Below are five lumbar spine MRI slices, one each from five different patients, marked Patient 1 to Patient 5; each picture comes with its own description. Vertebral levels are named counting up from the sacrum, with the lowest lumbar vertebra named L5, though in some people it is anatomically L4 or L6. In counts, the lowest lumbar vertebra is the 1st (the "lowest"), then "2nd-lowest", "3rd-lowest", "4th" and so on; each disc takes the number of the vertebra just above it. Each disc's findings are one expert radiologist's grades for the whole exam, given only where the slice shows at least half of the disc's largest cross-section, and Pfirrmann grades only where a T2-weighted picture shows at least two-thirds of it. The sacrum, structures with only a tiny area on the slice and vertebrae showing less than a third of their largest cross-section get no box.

Patient 1 of 5:
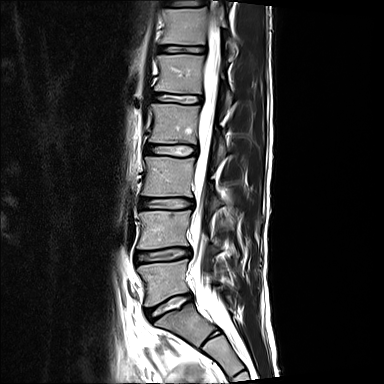

Image 384x384 | Sagittal slice index 5 | T2-weighted sagittal MRI of the lumbar spine | Sex M

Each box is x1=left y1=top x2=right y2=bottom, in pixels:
Lowest disc = x1=146 y1=294 x2=192 y2=320.
3rd-lowest disc = x1=141 y1=198 x2=193 y2=209.
7th vertebra = x1=178 y1=0 x2=196 y2=4.
5th vertebra = x1=155 y1=54 x2=232 y2=106.
7th disc = x1=164 y1=1 x2=199 y2=7.
2nd-lowest disc = x1=136 y1=248 x2=190 y2=262.
6th vertebra = x1=161 y1=7 x2=235 y2=53.
4th vertebra = x1=149 y1=104 x2=226 y2=160.
6th disc = x1=159 y1=45 x2=204 y2=53.
5th disc = x1=153 y1=94 x2=200 y2=103.
2nd-lowest vertebra = x1=138 y1=210 x2=221 y2=256.
4th disc = x1=146 y1=145 x2=197 y2=156.
3rd-lowest vertebra = x1=142 y1=157 x2=222 y2=211.
Lowest vertebra = x1=138 y1=259 x2=220 y2=306.
Thecal sac / spinal canal = x1=191 y1=16 x2=231 y2=335.

Per-level radiological findings:
• 3rd-lowest disc: Pfirrmann grade 2, disc narrowing, lower-endplate change, upper-endplate change
• 4th disc: Pfirrmann grade 2, lower-endplate change
• lowest disc: Pfirrmann grade 2, upper-endplate change
• 2nd-lowest disc: Pfirrmann grade 2, disc bulging, upper-endplate change, lower-endplate change
• 6th disc: Pfirrmann grade 2, upper-endplate change, lower-endplate change
• 5th disc: Pfirrmann grade 2
• 7th disc: Pfirrmann grade 2, upper-endplate change

Patient 2 of 5:
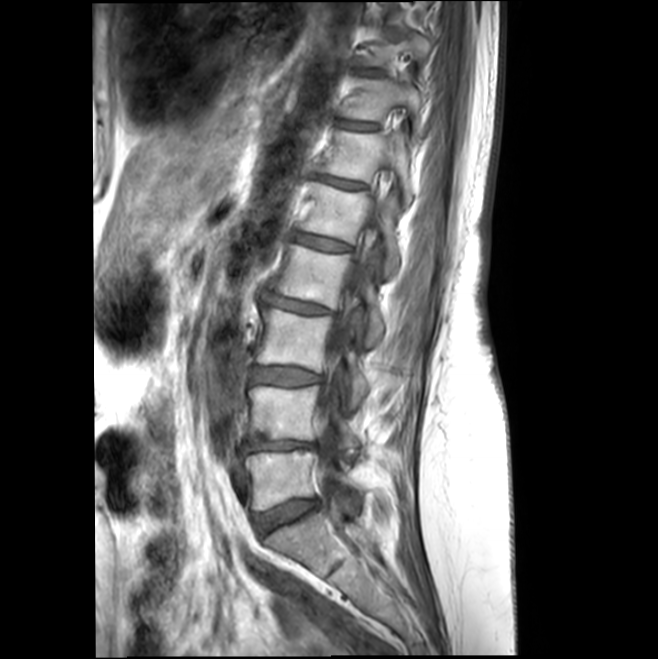
T1-weighted sagittal MRI of the lumbar spine

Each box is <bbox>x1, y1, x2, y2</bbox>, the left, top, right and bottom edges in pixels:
Thecal sac / spinal canal = <bbox>318, 196, 382, 504</bbox>.
L2 (4th vertebra) = <bbox>277, 245, 383, 347</bbox>.
Intervertebral disc L3/L4 (3rd-lowest disc) = <bbox>252, 367, 320, 385</bbox>.
L1 (5th vertebra) = <bbox>300, 182, 399, 276</bbox>.
L4 (2nd-lowest vertebra) = <bbox>248, 385, 364, 449</bbox>.
T11 (7th vertebra) = <bbox>341, 76, 424, 136</bbox>.
Intervertebral disc L1/L2 (5th disc) = <bbox>295, 233, 349, 250</bbox>.
Intervertebral disc L4/L5 (2nd-lowest disc) = <bbox>243, 440, 314, 451</bbox>.
L3 (3rd-lowest vertebra) = <bbox>256, 309, 368, 406</bbox>.
L2/L3 (4th disc) = <bbox>265, 295, 327, 313</bbox>.
T12/L1 (6th disc) = <bbox>319, 177, 364, 189</bbox>.
Intervertebral disc L5/S1 (lowest disc) = <bbox>252, 498, 318, 534</bbox>.
Intervertebral disc T10/T11 (8th disc) = <bbox>360, 70, 382, 74</bbox>.
T10 (8th vertebra) = <bbox>359, 31, 432, 78</bbox>.
T11/T12 (7th disc) = <bbox>338, 120, 377, 130</bbox>.
T12 (6th vertebra) = <bbox>319, 130, 413, 204</bbox>.
L5 (lowest vertebra) = <bbox>245, 450, 364, 510</bbox>.

Per-level radiological findings:
- L4/L5 (2nd-lowest disc): lower-endplate change, disc bulging, Modic type II, upper-endplate change
- L3/L4 (3rd-lowest disc): Modic type II, disc bulging
- L2/L3 (4th disc): disc bulging
- L5/S1 (lowest disc): disc bulging
- L1/L2 (5th disc), T12/L1 (6th disc), T11/T12 (7th disc): no Modic or endplate change, herniation, narrowing, bulging or spondylolisthesis recorded

Patient 3 of 5:
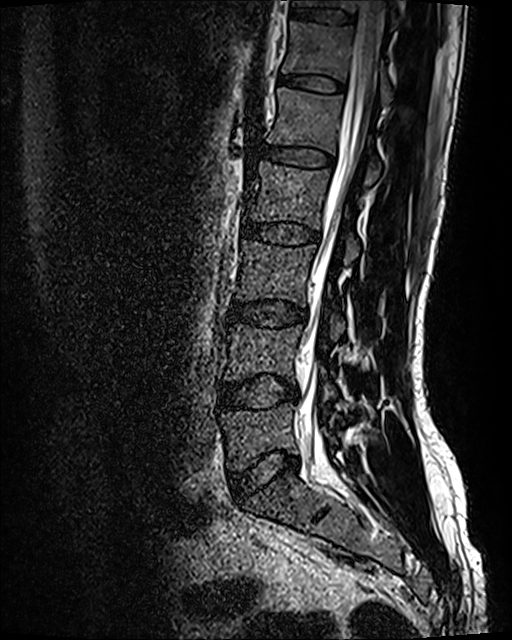 Lumbar spine MR, T2 SPACE (3D), sagittal
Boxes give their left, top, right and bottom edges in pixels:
7th vertebra at left=294, top=0, right=398, bottom=17; 7th disc at left=291, top=7, right=354, bottom=24; 6th disc at left=278, top=75, right=343, bottom=92; 4th vertebra at left=243, top=161, right=361, bottom=264; 3rd-lowest disc at left=229, top=301, right=305, bottom=326; 5th vertebra at left=267, top=88, right=380, bottom=185; 4th disc at left=243, top=221, right=318, bottom=244; thecal sac / spinal canal at left=299, top=1, right=383, bottom=459; 5th disc at left=261, top=143, right=333, bottom=167; 6th vertebra at left=282, top=20, right=394, bottom=102; 2nd-lowest disc at left=221, top=375, right=297, bottom=409; lowest vertebra at left=220, top=402, right=337, bottom=471; lowest disc at left=231, top=451, right=299, bottom=498; 2nd-lowest vertebra at left=224, top=324, right=336, bottom=399; 3rd-lowest vertebra at left=236, top=240, right=345, bottom=339.

Per-level radiological findings:
  5th disc: Pfirrmann grade 2
  7th disc: Pfirrmann grade 2
  6th disc: Pfirrmann grade 2
  lowest disc: Pfirrmann grade 2, disc bulging
  3rd-lowest disc: Pfirrmann grade 2, disc bulging
  2nd-lowest disc: Pfirrmann grade 2, disc bulging
  4th disc: Pfirrmann grade 2

Patient 4 of 5:
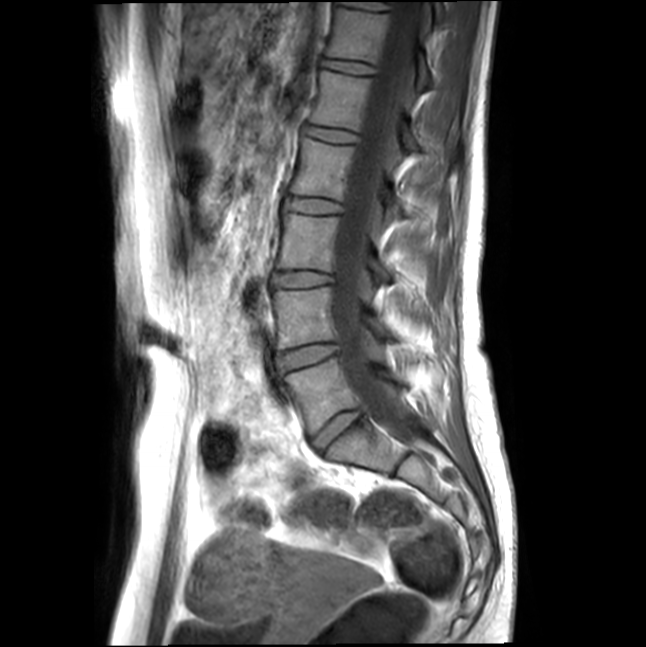 Field of view 308x308 mm. Image 646x647. MRI lumbar spine (T1-weighted), sagittal plane.

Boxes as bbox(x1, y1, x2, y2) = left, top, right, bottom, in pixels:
IVD L1/L2 — bbox(304, 125, 359, 143).
L2/L3 — bbox(286, 197, 341, 213).
IVD L5/S1 — bbox(312, 409, 362, 453).
L4/L5 — bbox(278, 343, 339, 370).
L5 vertebra — bbox(286, 358, 407, 433).
L1 vertebra — bbox(311, 70, 420, 148).
L4 — bbox(273, 287, 392, 349).
L2 vertebra — bbox(292, 137, 403, 214).
Spinal canal — bbox(332, 1, 425, 445).
L3 — bbox(277, 213, 393, 278).
L3/L4 — bbox(273, 272, 332, 287).
T12 vertebra — bbox(327, 7, 432, 85).
IVD T12/L1 — bbox(322, 59, 375, 74).

Expert MSK radiologist gradings (per disc):
• L1/L2, L4/L5, T12/L1, L2/L3, L3/L4, L5/S1: no Modic or endplate change, herniation, narrowing, bulging or spondylolisthesis recorded

Patient 5 of 5:
T2-weighted sagittal MRI of the lumbar spine; Slice 2 of 17

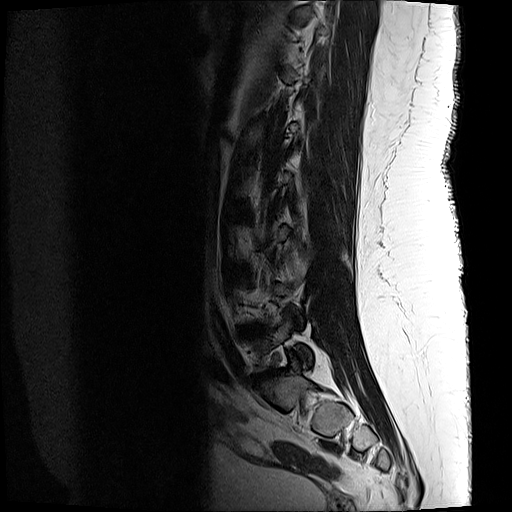 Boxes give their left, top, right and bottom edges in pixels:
{"L5 (lowest vertebra)": "left=255, top=310, right=312, bottom=371", "L5/S1 (lowest disc)": "left=255, top=369, right=275, bottom=381", "IVD L4/L5 (2nd-lowest disc)": "left=243, top=326, right=260, bottom=332"}